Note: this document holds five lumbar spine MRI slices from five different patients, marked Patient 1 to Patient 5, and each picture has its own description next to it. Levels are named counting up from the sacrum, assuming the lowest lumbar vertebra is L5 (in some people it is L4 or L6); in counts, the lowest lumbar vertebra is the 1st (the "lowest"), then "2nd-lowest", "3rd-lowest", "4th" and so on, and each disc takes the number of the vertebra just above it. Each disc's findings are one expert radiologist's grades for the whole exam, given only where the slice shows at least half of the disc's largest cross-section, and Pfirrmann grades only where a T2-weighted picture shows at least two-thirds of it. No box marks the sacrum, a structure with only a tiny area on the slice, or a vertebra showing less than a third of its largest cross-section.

Patient 1 of 5:
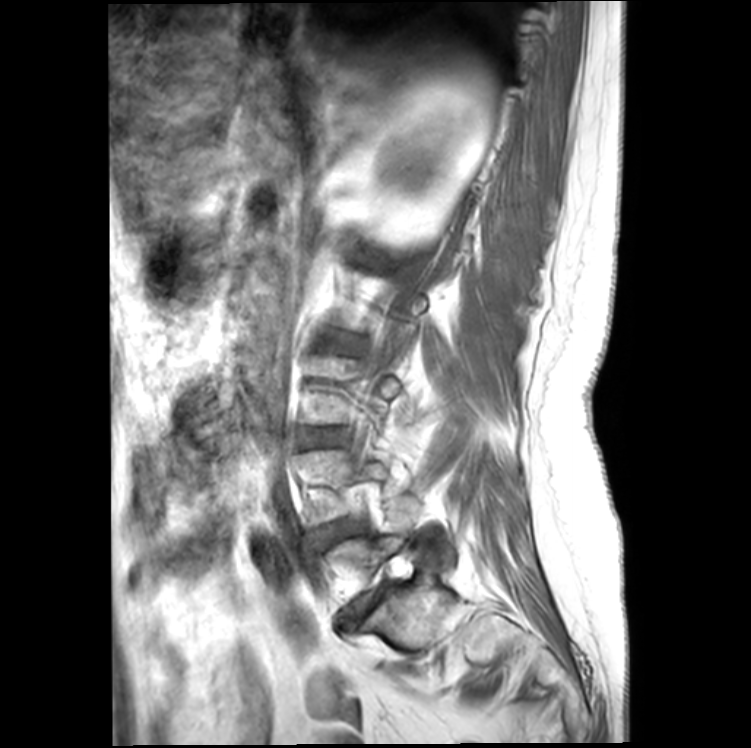
Image 751x748, MRI lumbar spine (T1-weighted), sagittal plane, Slice 5 of 20

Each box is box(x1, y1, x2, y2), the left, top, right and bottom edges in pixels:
Structures:
* L4/L5 at box(316, 520, 361, 544)
* IVD L2/L3 at box(323, 335, 353, 354)
* IVD L3/L4 at box(298, 428, 345, 448)

Patient 2 of 5:
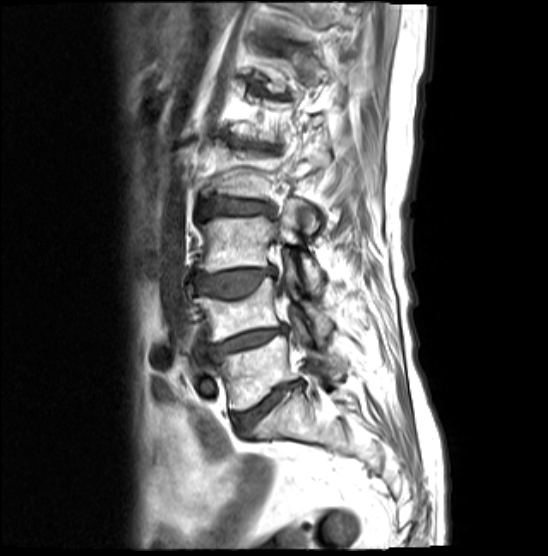
Image 548x556, MRI lumbar spine (T1-weighted), sagittal plane, Patient sex: F

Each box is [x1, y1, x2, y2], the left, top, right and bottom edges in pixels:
Segmented structures:
- L5 vertebra = [211, 321, 347, 410]
- IVD L3/L4 = [195, 266, 275, 297]
- L3 vertebra = [197, 199, 321, 292]
- L2/L3 = [199, 197, 270, 219]
- L4 = [194, 261, 331, 341]
- L5/S1 = [233, 380, 302, 435]
- IVD L4/L5 = [207, 326, 287, 362]

Per-level radiological findings:
- L2/L3: disc narrowing, disc bulging, upper-endplate change, Modic type II, lower-endplate change
- L5/S1: disc bulging, lower-endplate change, Modic type II, upper-endplate change, disc narrowing
- L3/L4: upper-endplate change, disc bulging, Modic type II, lower-endplate change
- L4/L5: Modic type II, disc narrowing, disc bulging, lower-endplate change, upper-endplate change

Patient 3 of 5:
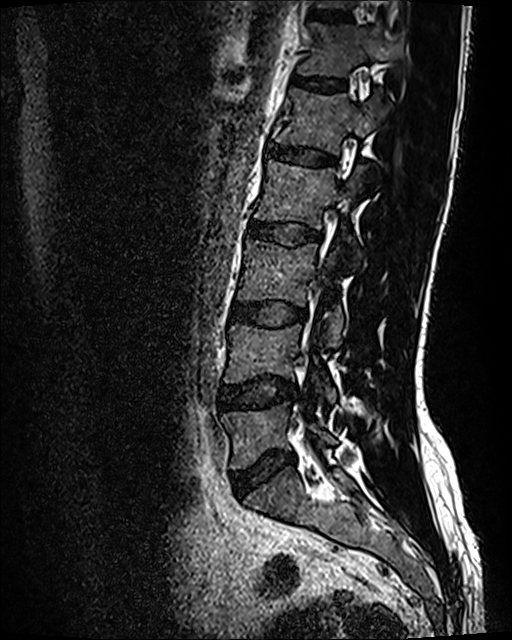 MRI lumbar spine (T2 SPACE (3D)), sagittal plane | Slice 44/120
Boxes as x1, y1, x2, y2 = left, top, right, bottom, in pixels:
Structures:
- 4th vertebra — 255, 160, 371, 268
- 5th vertebra — 276, 88, 389, 154
- 3rd-lowest disc — 231, 303, 305, 326
- 6th disc — 297, 77, 344, 90
- 4th disc — 247, 219, 320, 246
- lowest vertebra — 222, 402, 335, 469
- 2nd-lowest vertebra — 225, 324, 336, 402
- lowest disc — 231, 452, 294, 496
- 6th vertebra — 298, 23, 403, 77
- 3rd-lowest vertebra — 238, 239, 344, 346
- 2nd-lowest disc — 221, 378, 297, 409
- 5th disc — 269, 143, 335, 165
- 7th disc — 313, 8, 349, 22

Expert MSK radiologist gradings (per disc):
  3rd-lowest disc: Pfirrmann grade 2, disc bulging
  lowest disc: Pfirrmann grade 2, disc bulging
  5th disc: Pfirrmann grade 2
  4th disc: Pfirrmann grade 2
  2nd-lowest disc: Pfirrmann grade 2, disc bulging
  6th disc: no Modic or endplate change, herniation, narrowing, bulging or spondylolisthesis recorded

Patient 4 of 5:
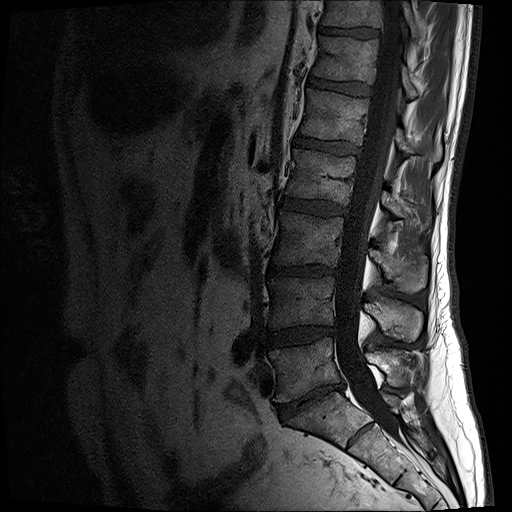

Image 512x512. Sagittal slice index 10. T1-weighted sagittal MRI of the lumbar spine.

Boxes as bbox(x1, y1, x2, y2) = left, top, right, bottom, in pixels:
L5 at bbox(269, 338, 413, 401); IVD T12/L1 at bbox(308, 77, 372, 96); L4 at bbox(268, 277, 422, 341); IVD L5/S1 at bbox(277, 382, 344, 417); T11/T12 at bbox(318, 26, 377, 39); T11 vertebra at bbox(322, 0, 417, 39); L2 vertebra at bbox(286, 149, 401, 217); spinal canal at bbox(335, 1, 401, 436); L3/L4 at bbox(269, 265, 340, 277); T12 vertebra at bbox(313, 37, 416, 99); L1/L2 at bbox(294, 135, 358, 154); L1 at bbox(301, 89, 441, 161); L3 vertebra at bbox(274, 211, 426, 292); IVD L2/L3 at bbox(282, 198, 345, 216); L4/L5 at bbox(267, 326, 335, 345).

Expert MSK radiologist gradings (per disc):
• L5/S1: disc bulging, disc narrowing, Modic type II
• L3/L4: disc narrowing, lower-endplate change, disc bulging
• L2/L3: disc bulging
• L4/L5: disc narrowing, disc bulging
• T12/L1, T11/T12, L1/L2: no herniation, bulging, narrowing, spondylolisthesis, endplate or Modic change recorded

Patient 5 of 5:
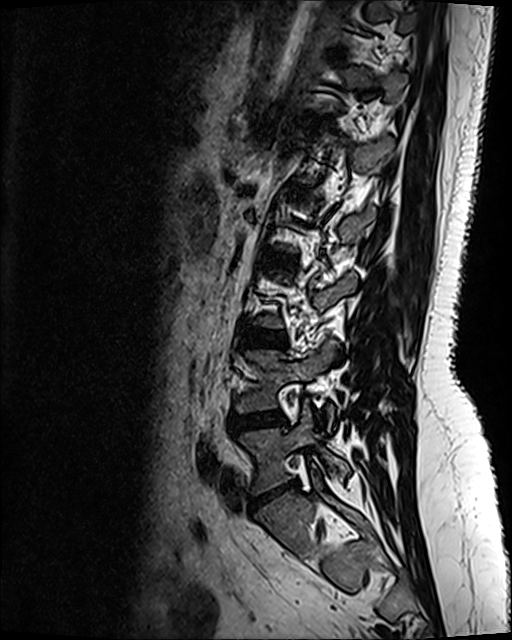

512x640 px, Sagittal slice index 38, Sagittal T2 SPACE (3D) lumbar spine MRI
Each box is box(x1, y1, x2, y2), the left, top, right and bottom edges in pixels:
3rd-lowest disc: box(242, 330, 284, 347)
2nd-lowest vertebra: box(236, 340, 336, 429)
2nd-lowest disc: box(229, 413, 284, 431)
lowest disc: box(250, 485, 292, 508)
4th disc: box(264, 256, 294, 270)
6th disc: box(305, 117, 326, 127)
lowest vertebra: box(240, 402, 348, 494)